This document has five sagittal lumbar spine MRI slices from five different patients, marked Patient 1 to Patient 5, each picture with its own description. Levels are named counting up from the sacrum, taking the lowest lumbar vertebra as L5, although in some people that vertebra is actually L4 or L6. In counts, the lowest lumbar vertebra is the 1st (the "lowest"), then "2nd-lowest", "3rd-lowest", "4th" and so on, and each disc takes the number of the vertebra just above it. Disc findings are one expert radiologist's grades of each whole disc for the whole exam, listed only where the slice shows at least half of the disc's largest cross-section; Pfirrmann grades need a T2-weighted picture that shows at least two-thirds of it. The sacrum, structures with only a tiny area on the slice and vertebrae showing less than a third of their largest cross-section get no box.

Patient 1 of 5:
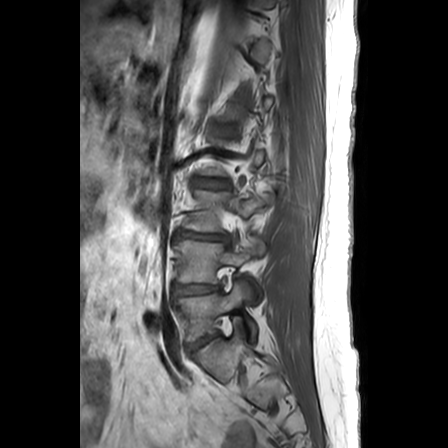 Slice 7 of 24, Image 448x448, T1-weighted sagittal MRI of the lumbar spine

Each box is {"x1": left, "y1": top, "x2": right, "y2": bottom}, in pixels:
2nd-lowest disc at {"x1": 176, "y1": 284, "x2": 219, "y2": 295}, lowest disc at {"x1": 189, "y1": 335, "x2": 217, "y2": 350}, lowest vertebra at {"x1": 177, "y1": 281, "x2": 257, "y2": 342}, 3rd-lowest vertebra at {"x1": 186, "y1": 190, "x2": 276, "y2": 231}, 3rd-lowest disc at {"x1": 178, "y1": 230, "x2": 229, "y2": 240}, 2nd-lowest vertebra at {"x1": 175, "y1": 238, "x2": 266, "y2": 282}, 4th disc at {"x1": 196, "y1": 177, "x2": 230, "y2": 188}.

Radiological gradings:
  3rd-lowest disc: disc herniation, disc narrowing, upper-endplate change, lower-endplate change, Modic type II
  2nd-lowest disc: disc bulging
  4th disc: no Modic or endplate change, herniation, narrowing, bulging or spondylolisthesis recorded

Patient 2 of 5:
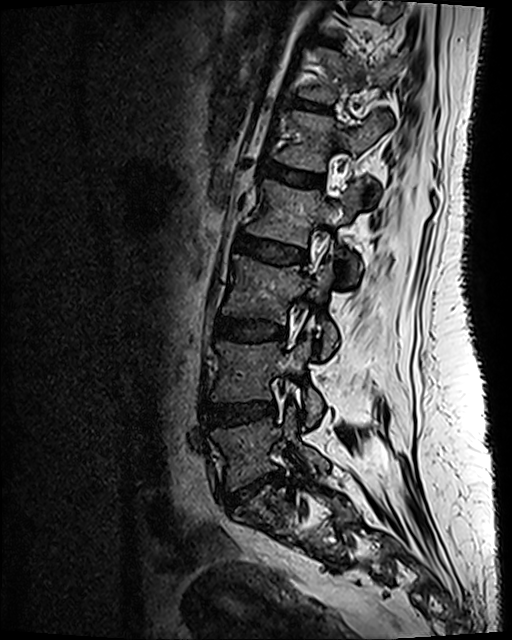

Field of view 240x300 mm | Slice 77 of 120 | Image 512x640 | Sagittal T2 SPACE (3D) lumbar spine MRI

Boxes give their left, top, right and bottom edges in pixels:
Segmented structures:
* T12 vertebra = left=298, top=49, right=401, bottom=103
* L2 vertebra = left=247, top=180, right=359, bottom=276
* L1/L2 = left=260, top=162, right=323, bottom=187
* T12/L1 = left=292, top=99, right=330, bottom=111
* L1 vertebra = left=275, top=112, right=382, bottom=170
* T11/T12 = left=317, top=38, right=339, bottom=45
* disc L2/L3 = left=236, top=234, right=301, bottom=263
* disc L3/L4 = left=214, top=317, right=285, bottom=341
* L4 = left=211, top=341, right=322, bottom=426
* disc L5/S1 = left=240, top=472, right=281, bottom=496
* disc L4/L5 = left=209, top=402, right=275, bottom=424
* L3 vertebra = left=223, top=255, right=336, bottom=357
* L5 = left=211, top=408, right=329, bottom=490

Expert MSK radiologist gradings (per disc):
  L2/L3: Pfirrmann grade 3, disc bulging
  L1/L2: Pfirrmann grade 2
  L4/L5: disc bulging
  L3/L4: Pfirrmann grade 3

Patient 3 of 5:
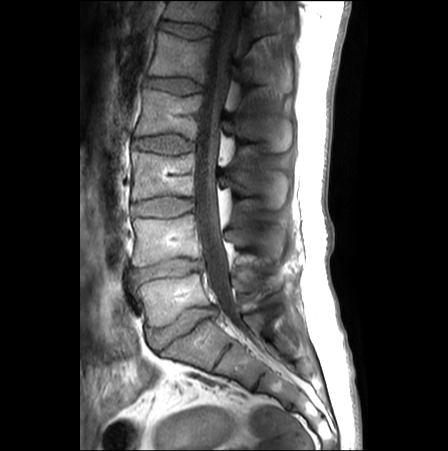 MRI lumbar spine (T1-weighted), sagittal plane
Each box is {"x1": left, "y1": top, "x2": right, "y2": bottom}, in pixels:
Annotations:
• L1: {"x1": 149, "y1": 31, "x2": 292, "y2": 92}
• T12/L1: {"x1": 164, "y1": 21, "x2": 210, "y2": 38}
• spinal canal: {"x1": 195, "y1": 1, "x2": 246, "y2": 329}
• IVD L2/L3: {"x1": 134, "y1": 134, "x2": 193, "y2": 156}
• L1/L2: {"x1": 148, "y1": 77, "x2": 201, "y2": 93}
• L5/S1: {"x1": 148, "y1": 306, "x2": 216, "y2": 348}
• IVD L4/L5: {"x1": 133, "y1": 259, "x2": 202, "y2": 281}
• L3/L4: {"x1": 133, "y1": 197, "x2": 192, "y2": 217}
• L2: {"x1": 135, "y1": 89, "x2": 291, "y2": 151}
• L5 vertebra: {"x1": 137, "y1": 273, "x2": 280, "y2": 326}
• L4: {"x1": 132, "y1": 214, "x2": 284, "y2": 266}
• T12: {"x1": 165, "y1": 1, "x2": 295, "y2": 37}
• L3: {"x1": 132, "y1": 151, "x2": 286, "y2": 209}

Expert MSK radiologist gradings (per disc):
- L5/S1: disc bulging, disc narrowing
- L4/L5: disc narrowing, disc bulging
- T12/L1: lower-endplate change
- L3/L4, L2/L3, L1/L2: no herniation, bulging, narrowing, spondylolisthesis, endplate or Modic change recorded

Patient 4 of 5:
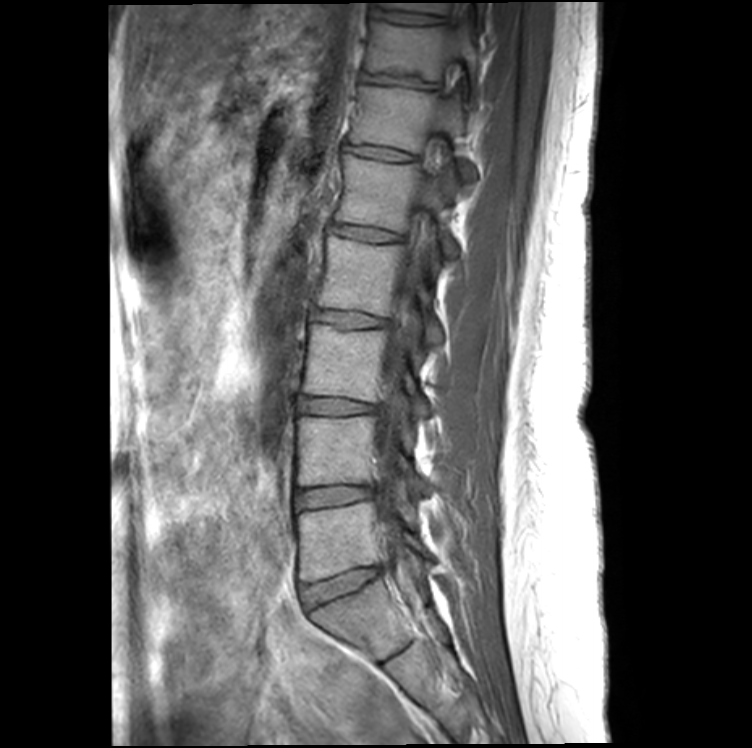
Sex F. Sagittal T1-weighted lumbar spine MRI.

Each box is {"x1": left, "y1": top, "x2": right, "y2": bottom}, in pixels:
5th disc: {"x1": 333, "y1": 225, "x2": 400, "y2": 242}.
Lowest disc: {"x1": 299, "y1": 567, "x2": 381, "y2": 608}.
8th vertebra: {"x1": 379, "y1": 3, "x2": 486, "y2": 19}.
2nd-lowest vertebra: {"x1": 298, "y1": 415, "x2": 428, "y2": 496}.
5th vertebra: {"x1": 335, "y1": 154, "x2": 457, "y2": 258}.
8th disc: {"x1": 374, "y1": 10, "x2": 442, "y2": 24}.
4th disc: {"x1": 312, "y1": 309, "x2": 384, "y2": 327}.
6th vertebra: {"x1": 349, "y1": 85, "x2": 475, "y2": 176}.
3rd-lowest vertebra: {"x1": 304, "y1": 324, "x2": 431, "y2": 417}.
Lowest vertebra: {"x1": 298, "y1": 501, "x2": 429, "y2": 582}.
3rd-lowest disc: {"x1": 298, "y1": 396, "x2": 374, "y2": 415}.
4th vertebra: {"x1": 317, "y1": 236, "x2": 442, "y2": 346}.
6th disc: {"x1": 349, "y1": 146, "x2": 412, "y2": 162}.
Spinal canal: {"x1": 377, "y1": 60, "x2": 452, "y2": 564}.
7th disc: {"x1": 361, "y1": 73, "x2": 431, "y2": 88}.
2nd-lowest disc: {"x1": 296, "y1": 487, "x2": 373, "y2": 508}.
7th vertebra: {"x1": 364, "y1": 21, "x2": 480, "y2": 82}.

Degenerative findings by level:
- 7th disc: disc bulging, lower-endplate change
- lowest disc: lower-endplate change
- 8th disc, 3rd-lowest disc, 6th disc, 2nd-lowest disc, 5th disc, 4th disc: no spondylolisthesis, narrowing, bulging, herniation, Modic or endplate change recorded

Patient 5 of 5:
Slice 3/15, 384x384 px, Sagittal T1-weighted lumbar spine MRI, Field of view 280x280 mm, slice spacing 4.4 mm, SIEMENS SymphonyTim (1.5T)

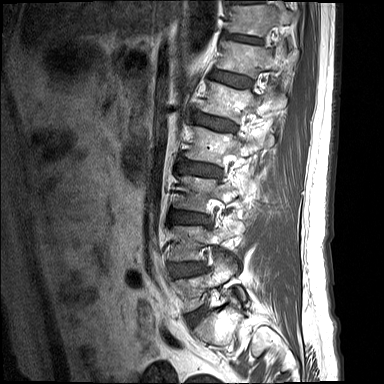 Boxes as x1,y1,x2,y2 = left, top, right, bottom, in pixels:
Segmented structures:
• 4th disc: 182,161,220,176
• 2nd-lowest disc: 172,263,203,276
• 7th vertebra: 229,5,298,36
• 5th vertebra: 202,82,287,120
• 2nd-lowest vertebra: 172,219,244,260
• lowest vertebra: 176,253,246,311
• 3rd-lowest vertebra: 177,176,237,211
• 4th vertebra: 186,127,273,164
• 3rd-lowest disc: 173,212,205,224
• 7th disc: 226,34,261,43
• 6th disc: 211,70,251,87
• 5th disc: 193,113,235,131
• lowest disc: 189,307,206,325
• 6th vertebra: 218,41,293,77

Per-level radiological findings:
• 4th disc: disc bulging, upper-endplate change, lower-endplate change
• 5th disc: upper-endplate change, lower-endplate change
• 7th disc: upper-endplate change, disc narrowing, lower-endplate change
• 6th disc: no Modic or endplate change, herniation, narrowing, bulging or spondylolisthesis recorded